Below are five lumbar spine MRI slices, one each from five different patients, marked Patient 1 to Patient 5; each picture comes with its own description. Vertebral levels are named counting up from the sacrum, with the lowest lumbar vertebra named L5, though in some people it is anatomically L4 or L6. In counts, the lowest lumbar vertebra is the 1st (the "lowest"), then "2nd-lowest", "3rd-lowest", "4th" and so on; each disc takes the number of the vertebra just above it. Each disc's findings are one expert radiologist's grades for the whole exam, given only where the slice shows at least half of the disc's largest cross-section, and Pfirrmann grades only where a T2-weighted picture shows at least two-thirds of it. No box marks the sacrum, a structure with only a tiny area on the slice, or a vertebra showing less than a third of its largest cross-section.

Patient 1 of 5:
Slice 9 of 15 | MRI lumbar spine (T2-weighted), sagittal plane 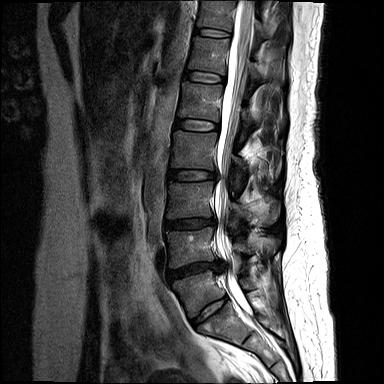
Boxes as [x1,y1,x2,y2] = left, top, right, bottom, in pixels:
{"5th vertebra": "[178,81,284,129]", "lowest vertebra": "[172,270,256,317]", "3rd-lowest vertebra": "[167,181,279,226]", "2nd-lowest vertebra": "[165,227,276,268]", "thecal sac / spinal canal": "[214,0,253,308]", "7th disc": "[194,28,230,37]", "4th vertebra": "[171,131,249,169]", "3rd-lowest disc": "[164,218,215,228]", "4th disc": "[169,170,215,180]", "2nd-lowest disc": "[168,261,226,279]", "6th vertebra": "[188,36,283,81]", "7th vertebra": "[197,0,287,40]", "lowest disc": "[191,297,227,327]", "6th disc": "[184,71,224,82]", "5th disc": "[175,118,219,130]"}

Radiological gradings:
- 3rd-lowest disc: Pfirrmann grade 4, upper-endplate change, disc bulging
- lowest disc: Pfirrmann grade 2
- 7th disc: Pfirrmann grade 2
- 2nd-lowest disc: Pfirrmann grade 4, Modic type II, disc narrowing, disc herniation, upper-endplate change, lower-endplate change
- 5th disc: Pfirrmann grade 2
- 4th disc: Pfirrmann grade 3, disc bulging
- 6th disc: Pfirrmann grade 2

Patient 2 of 5:
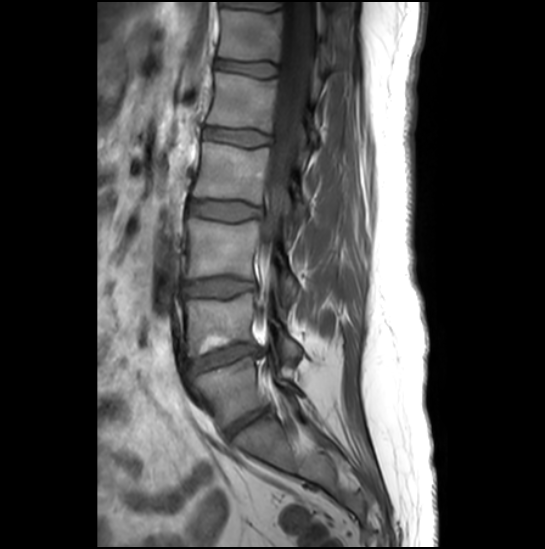 Lumbar spine MR, T1-weighted, sagittal. Image 545x549.
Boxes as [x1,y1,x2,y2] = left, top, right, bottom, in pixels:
• T12/L1: [217,59,276,77]
• L3: [187,220,297,306]
• L1: [207,72,319,145]
• thecal sac / spinal canal: [263,0,314,255]
• L1/L2: [203,127,270,146]
• L4/L5: [189,345,259,373]
• L5: [193,357,299,427]
• IVD L3/L4: [186,278,253,297]
• L2: [192,142,309,236]
• L4: [185,293,302,363]
• IVD L2/L3: [190,201,259,220]
• T12: [218,9,330,77]
• L5/S1: [226,409,267,437]

Degenerative findings by level:
• L4/L5: lower-endplate change, disc herniation, disc narrowing, Modic type II, upper-endplate change
• L5/S1: disc narrowing
• L3/L4, L2/L3, L1/L2, T12/L1: no herniation, bulging, narrowing, spondylolisthesis, endplate or Modic change recorded

Patient 3 of 5:
Patient sex: M, Field of view 240x300 mm, slice spacing 0.9 mm, SIEMENS Avanto_fit (1.5T), Slice 70 of 120, MRI lumbar spine (T2 SPACE (3D)), sagittal plane

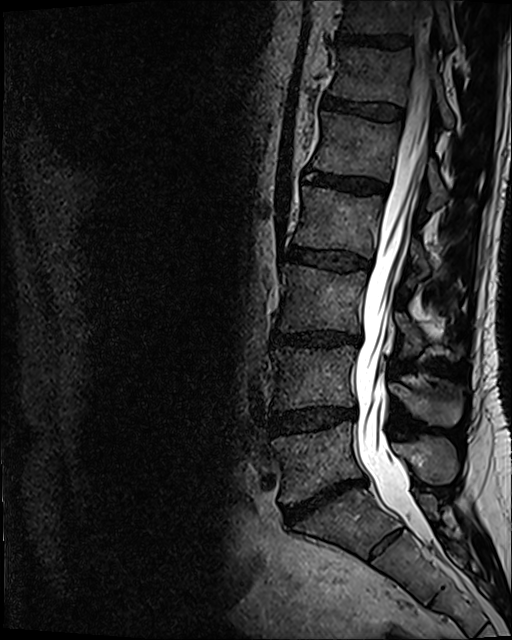 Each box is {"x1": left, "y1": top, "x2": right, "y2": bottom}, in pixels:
Structures:
* T11 vertebra at {"x1": 341, "y1": 0, "x2": 453, "y2": 51}
* thecal sac / spinal canal at {"x1": 356, "y1": 10, "x2": 435, "y2": 545}
* L5 vertebra at {"x1": 271, "y1": 422, "x2": 458, "y2": 503}
* L1/L2 at {"x1": 304, "y1": 170, "x2": 387, "y2": 193}
* L4 at {"x1": 272, "y1": 346, "x2": 462, "y2": 425}
* disc L2/L3 at {"x1": 289, "y1": 247, "x2": 370, "y2": 270}
* L1 at {"x1": 313, "y1": 111, "x2": 446, "y2": 209}
* T12 vertebra at {"x1": 330, "y1": 47, "x2": 454, "y2": 126}
* L2 at {"x1": 294, "y1": 186, "x2": 430, "y2": 288}
* disc L5/S1 at {"x1": 282, "y1": 477, "x2": 365, "y2": 522}
* disc L3/L4 at {"x1": 273, "y1": 331, "x2": 361, "y2": 346}
* T12/L1 at {"x1": 323, "y1": 96, "x2": 403, "y2": 119}
* L3 vertebra at {"x1": 280, "y1": 264, "x2": 465, "y2": 359}
* disc L4/L5 at {"x1": 270, "y1": 408, "x2": 355, "y2": 432}
* T11/T12 at {"x1": 336, "y1": 33, "x2": 409, "y2": 49}

Expert MSK radiologist gradings (per disc):
  L1/L2: Pfirrmann grade 4
  T12/L1: Pfirrmann grade 3
  T11/T12: Pfirrmann grade 4
  L5/S1: Pfirrmann grade 5, disc bulging, disc narrowing, Modic type II
  L3/L4: Pfirrmann grade 4, lower-endplate change, disc narrowing, disc bulging
  L4/L5: Pfirrmann grade 3, disc narrowing, disc bulging
  L2/L3: Pfirrmann grade 3, disc bulging

Patient 4 of 5:
Patient sex: F; Sagittal T1-weighted lumbar spine MRI; Image 1105x1092; Slice 16 of 41
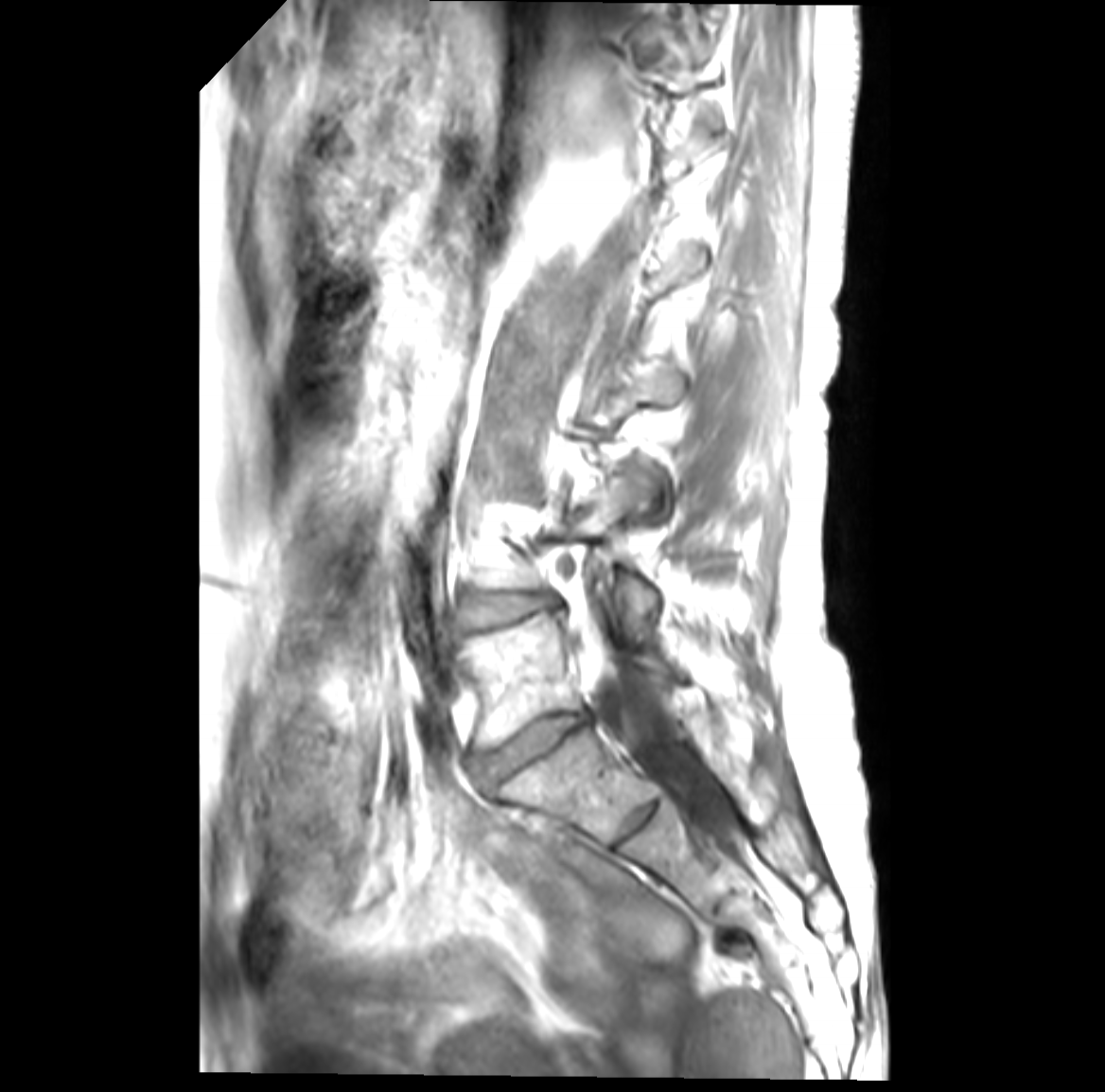
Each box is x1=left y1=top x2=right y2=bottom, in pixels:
Thecal sac / spinal canal at x1=570 y1=613 x2=737 y2=846, L5 at x1=460 y1=613 x2=681 y2=750, L4/L5 at x1=463 y1=595 x2=553 y2=628, disc L5/S1 at x1=476 y1=714 x2=586 y2=781.

Expert MSK radiologist gradings (per disc):
• L5/S1: Modic type II, disc narrowing, disc bulging

Patient 5 of 5:
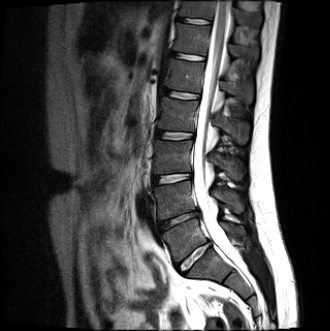 MRI lumbar spine (T2-weighted), sagittal plane, Field of view 300x301 mm, slice spacing 4.2 mm

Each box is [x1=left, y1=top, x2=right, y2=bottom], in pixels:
L2 (4th vertebra): [x1=157, y1=97, x2=248, y2=143].
T11/T12 (7th disc): [x1=178, y1=18, x2=210, y2=24].
Disc L5/S1 (lowest disc): [x1=178, y1=243, x2=210, y2=273].
L4 (2nd-lowest vertebra): [x1=154, y1=180, x2=244, y2=219].
Disc L4/L5 (2nd-lowest disc): [x1=158, y1=209, x2=200, y2=232].
L3 (3rd-lowest vertebra): [x1=154, y1=140, x2=243, y2=180].
Spinal canal: [x1=194, y1=0, x2=240, y2=264].
T12/L1 (6th disc): [x1=171, y1=52, x2=203, y2=60].
L1 (5th vertebra): [x1=165, y1=58, x2=252, y2=102].
Disc L1/L2 (5th disc): [x1=163, y1=89, x2=198, y2=98].
L3/L4 (3rd-lowest disc): [x1=154, y1=173, x2=191, y2=184].
L5 (lowest vertebra): [x1=162, y1=218, x2=247, y2=261].
T12 (6th vertebra): [x1=173, y1=23, x2=258, y2=59].
T11 (7th vertebra): [x1=179, y1=0, x2=261, y2=24].
L2/L3 (4th disc): [x1=156, y1=130, x2=193, y2=139].

Expert MSK radiologist gradings (per disc):
  T12/L1 (6th disc): Pfirrmann grade 2
  T11/T12 (7th disc): Pfirrmann grade 2
  L5/S1 (lowest disc): Pfirrmann grade 2, disc bulging
  L3/L4 (3rd-lowest disc): Pfirrmann grade 2
  L4/L5 (2nd-lowest disc): Pfirrmann grade 4, lower-endplate change, disc herniation, disc narrowing, upper-endplate change, Modic type II
  L2/L3 (4th disc): Pfirrmann grade 2
  L1/L2 (5th disc): Pfirrmann grade 2